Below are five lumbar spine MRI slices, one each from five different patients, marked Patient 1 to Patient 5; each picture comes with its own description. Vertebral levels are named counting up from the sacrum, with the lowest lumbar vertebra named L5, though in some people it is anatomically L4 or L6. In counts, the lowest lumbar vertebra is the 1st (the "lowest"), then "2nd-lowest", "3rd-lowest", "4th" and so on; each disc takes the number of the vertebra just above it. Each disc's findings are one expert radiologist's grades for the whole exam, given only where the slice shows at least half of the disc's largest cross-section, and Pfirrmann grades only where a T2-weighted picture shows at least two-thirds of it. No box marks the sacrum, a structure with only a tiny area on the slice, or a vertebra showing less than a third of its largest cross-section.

Patient 1 of 5:
Philips Healthcare Ingenia (3T) | MRI lumbar spine (T2-weighted), sagittal plane | Patient sex: F | Slice 8 of 31

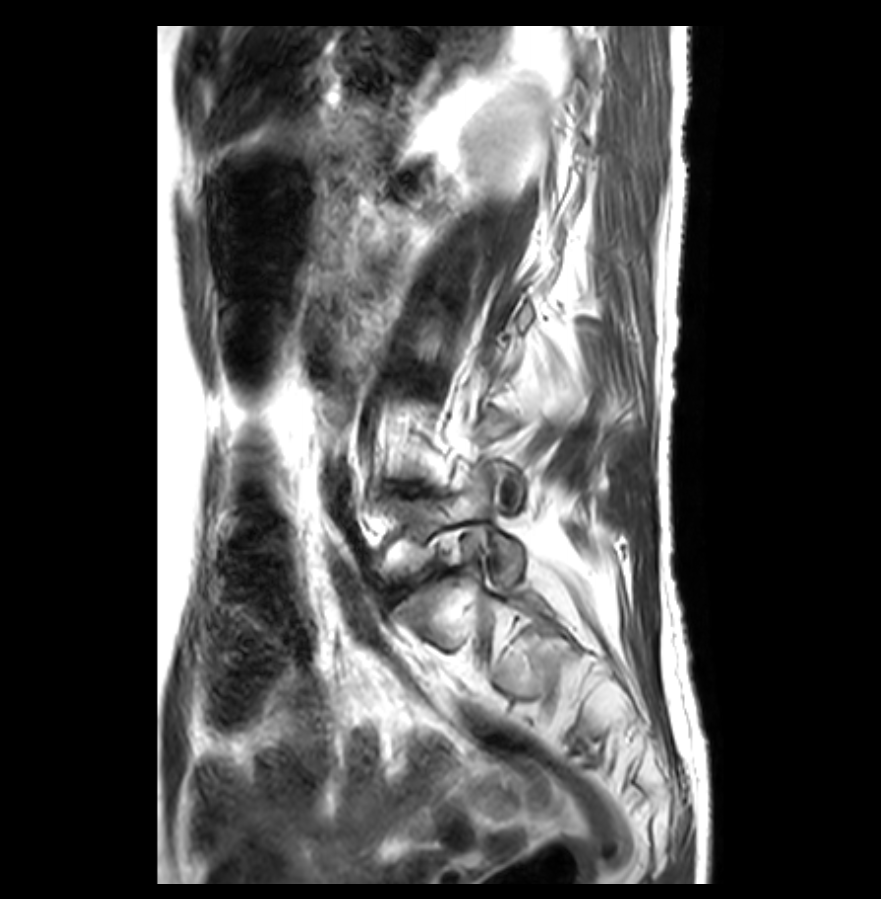

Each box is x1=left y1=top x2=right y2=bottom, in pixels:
L5 — x1=386 y1=468 x2=522 y2=583.
L5/S1 — x1=387 y1=578 x2=420 y2=602.
IVD L4/L5 — x1=389 y1=484 x2=418 y2=494.

Patient 2 of 5:
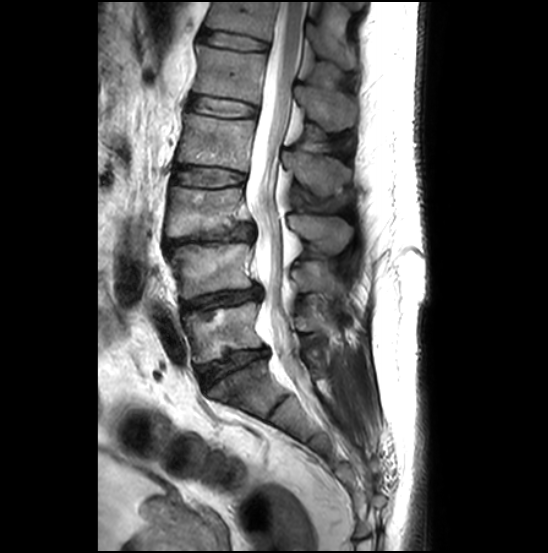

Slice 15/27. Slice spacing 3.3 mm. Patient sex: M. MRI lumbar spine (T2-weighted), sagittal plane.

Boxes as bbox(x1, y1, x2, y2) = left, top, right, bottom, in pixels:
5th vertebra: bbox(193, 44, 355, 131).
Lowest vertebra: bbox(184, 301, 316, 363).
Thecal sac / spinal canal: bbox(246, 2, 305, 377).
4th disc: bbox(174, 167, 245, 186).
4th vertebra: bbox(177, 113, 350, 196).
Lowest disc: bbox(198, 348, 267, 389).
3rd-lowest vertebra: bbox(165, 185, 352, 252).
6th disc: bbox(201, 30, 267, 49).
5th disc: bbox(189, 95, 256, 116).
2nd-lowest disc: bbox(181, 285, 261, 314).
2nd-lowest vertebra: bbox(169, 242, 343, 298).
3rd-lowest disc: bbox(164, 224, 254, 251).
6th vertebra: bbox(207, 2, 356, 69).

Radiological gradings:
• 5th disc: Pfirrmann grade 2
• 6th disc: Pfirrmann grade 2
• lowest disc: Pfirrmann grade 3, Modic type II, lower-endplate change, upper-endplate change, disc narrowing, disc bulging
• 4th disc: Pfirrmann grade 2
• 3rd-lowest disc: Pfirrmann grade 5, Modic type II, disc herniation, disc narrowing, lower-endplate change, upper-endplate change, spondylolisthesis
• 2nd-lowest disc: Pfirrmann grade 3, disc narrowing, Modic type II, upper-endplate change, lower-endplate change, disc bulging

Patient 3 of 5:
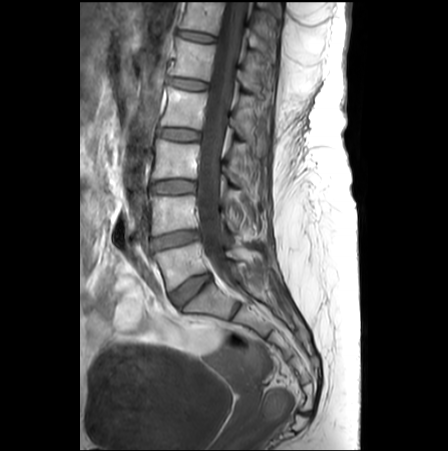 448x451 px, Sagittal T1-weighted lumbar spine MRI, Slice 13/26
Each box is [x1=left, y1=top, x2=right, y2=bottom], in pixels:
* L1: [x1=170, y1=37, x2=263, y2=96]
* spinal canal: [x1=196, y1=0, x2=244, y2=291]
* L5: [x1=152, y1=241, x2=262, y2=290]
* T12: [x1=179, y1=2, x2=274, y2=56]
* T12/L1: [x1=178, y1=30, x2=214, y2=42]
* L5/S1: [x1=170, y1=274, x2=210, y2=305]
* disc L4/L5: [x1=151, y1=230, x2=198, y2=248]
* L3/L4: [x1=151, y1=180, x2=194, y2=193]
* disc L2/L3: [x1=157, y1=128, x2=199, y2=140]
* disc L1/L2: [x1=167, y1=76, x2=206, y2=90]
* L4: [x1=149, y1=195, x2=241, y2=235]
* L2 vertebra: [x1=161, y1=86, x2=267, y2=155]
* L3: [x1=152, y1=139, x2=255, y2=197]

Expert MSK radiologist gradings (per disc):
  L4/L5: disc narrowing
  L1/L2: lower-endplate change, upper-endplate change, Modic type II
  L3/L4, L2/L3, T12/L1, L5/S1: no herniation, bulging, narrowing, spondylolisthesis, endplate or Modic change recorded

Patient 4 of 5:
Slice spacing 3.3 mm, MRI lumbar spine (T1-weighted), sagittal plane, Image 448x451, Slice 17/27

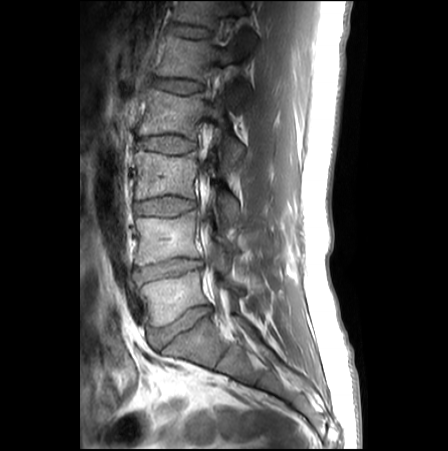 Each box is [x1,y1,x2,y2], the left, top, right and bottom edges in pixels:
L5 vertebra: [140,271,243,326]
IVD L5/S1: [151,306,211,347]
L1: [158,35,250,106]
thecal sac / spinal canal: [201,213,218,282]
IVD L1/L2: [156,79,202,92]
IVD L4/L5: [136,259,201,282]
T12/L1: [174,24,210,37]
L4 vertebra: [135,212,239,265]
L2 vertebra: [139,89,244,167]
L3: [135,151,238,226]
IVD L2/L3: [138,135,195,153]
L3/L4: [136,197,195,217]
T12 vertebra: [174,1,257,45]

Radiological gradings:
- L4/L5: disc bulging, disc narrowing
- T12/L1: lower-endplate change
- L5/S1: disc narrowing, disc bulging
- L3/L4, L2/L3, L1/L2: no herniation, bulging, narrowing, spondylolisthesis, endplate or Modic change recorded

Patient 5 of 5:
Image 512x640, Sagittal T2 SPACE (3D) lumbar spine MRI, Slice 91/120
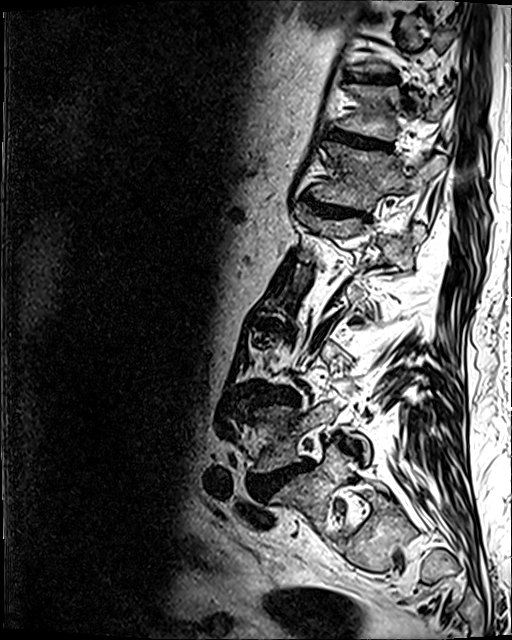 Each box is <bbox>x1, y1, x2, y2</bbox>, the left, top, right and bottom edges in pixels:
8th disc at <bbox>348, 75, 396, 82</bbox>, lowest vertebra at <bbox>271, 443, 383, 538</bbox>, 2nd-lowest disc at <bbox>251, 461, 310, 498</bbox>, 3rd-lowest disc at <bbox>255, 392, 293, 404</bbox>, 2nd-lowest vertebra at <bbox>252, 384, 370, 473</bbox>, 5th vertebra at <bbox>294, 203, 425, 259</bbox>, 7th disc at <bbox>327, 130, 389, 149</bbox>, 7th vertebra at <bbox>332, 84, 448, 140</bbox>, 6th vertebra at <bbox>311, 141, 445, 211</bbox>, 6th disc at <bbox>306, 197, 366, 217</bbox>.

Degenerative findings by level:
• 2nd-lowest disc: Pfirrmann grade 5, Modic type II, upper-endplate change, lower-endplate change, disc bulging, disc herniation, disc narrowing
• 7th disc: disc bulging, upper-endplate change, lower-endplate change, disc narrowing